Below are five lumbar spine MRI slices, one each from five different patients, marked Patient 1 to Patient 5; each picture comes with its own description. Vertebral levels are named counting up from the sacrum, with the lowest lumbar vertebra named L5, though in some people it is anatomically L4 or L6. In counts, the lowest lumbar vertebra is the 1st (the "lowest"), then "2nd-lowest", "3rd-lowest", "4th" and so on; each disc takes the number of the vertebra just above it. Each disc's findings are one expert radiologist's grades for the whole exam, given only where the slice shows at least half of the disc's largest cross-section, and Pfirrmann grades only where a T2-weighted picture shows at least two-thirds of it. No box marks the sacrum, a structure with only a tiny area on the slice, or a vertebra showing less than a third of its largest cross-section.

Patient 1 of 5:
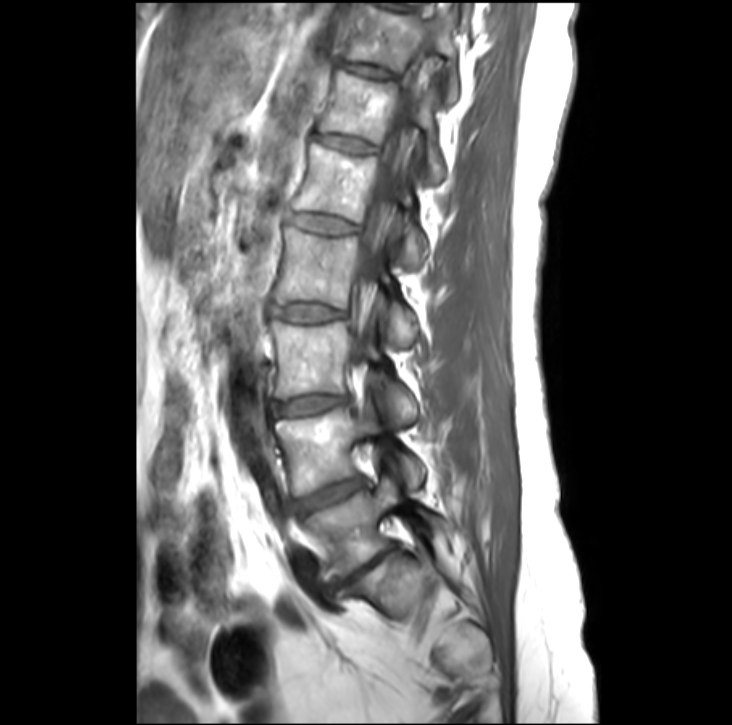

Patient sex: F, Sagittal slice index 19, MRI lumbar spine (T1-weighted), sagittal plane
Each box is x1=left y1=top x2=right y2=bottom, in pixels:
intervertebral disc T11/T12 — x1=343 y1=61 x2=394 y2=78 | L1/L2 — x1=290 y1=213 x2=354 y2=234 | T12/L1 — x1=313 y1=134 x2=373 y2=153 | T11 vertebra — x1=344 y1=3 x2=458 y2=103 | L5/S1 — x1=333 y1=545 x2=399 y2=591 | L2/L3 — x1=272 y1=304 x2=342 y2=322 | L1 — x1=293 y1=145 x2=427 y2=267 | L2 — x1=274 y1=228 x2=418 y2=345 | L4 vertebra — x1=276 y1=403 x2=425 y2=496 | L3/L4 — x1=274 y1=396 x2=347 y2=416 | L5 vertebra — x1=307 y1=478 x2=452 y2=579 | intervertebral disc L4/L5 — x1=295 y1=480 x2=363 y2=515 | L3 — x1=272 y1=322 x2=418 y2=423 | spinal canal — x1=354 y1=110 x2=411 y2=359 | T12 — x1=317 y1=72 x2=442 y2=182

Degenerative findings by level:
  L4/L5: disc bulging
  L5/S1: Modic type II, disc bulging, disc narrowing, lower-endplate change, upper-endplate change
  L3/L4: disc bulging
  L2/L3, T12/L1, L1/L2, T11/T12: no spondylolisthesis, narrowing, bulging, herniation, Modic or endplate change recorded

Patient 2 of 5:
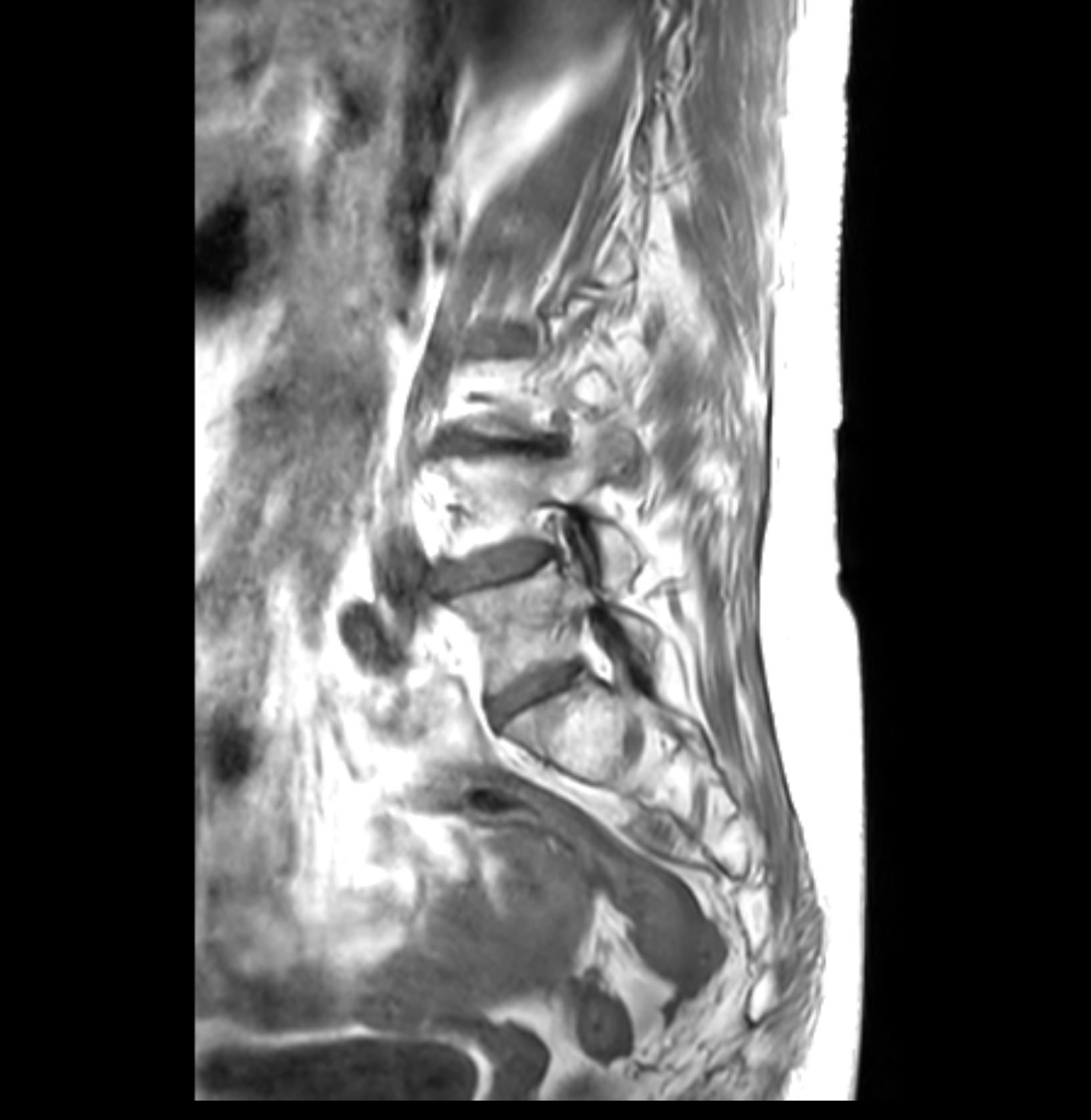
Sex F; Field of view 280x287 mm, slice spacing 3.4 mm; 1091x1120 px; Sagittal T1-weighted lumbar spine MRI
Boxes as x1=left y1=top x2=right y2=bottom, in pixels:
L4 vertebra: x1=443 y1=434 x2=640 y2=586
L4/L5: x1=443 y1=545 x2=560 y2=586
L5: x1=453 y1=561 x2=660 y2=692
L5/S1: x1=489 y1=665 x2=577 y2=720
disc L3/L4: x1=436 y1=431 x2=560 y2=453

Per-level radiological findings:
• L5/S1: disc bulging
• L4/L5: disc narrowing, Modic type II, disc bulging

Patient 3 of 5:
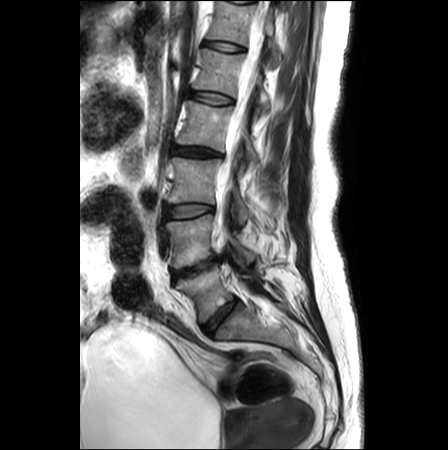 Lumbar spine MR, T2-weighted, sagittal. Sex F. Slice 11 of 26. Image 448x450.
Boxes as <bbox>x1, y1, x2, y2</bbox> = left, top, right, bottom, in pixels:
{"L1/L2": "<bbox>189, 92, 232, 104</bbox>", "L5": "<bbox>176, 265, 260, 322</bbox>", "intervertebral disc L5/S1": "<bbox>202, 300, 238, 334</bbox>", "intervertebral disc T12/L1": "<bbox>206, 41, 243, 51</bbox>", "L3": "<bbox>168, 157, 249, 227</bbox>", "intervertebral disc L3/L4": "<bbox>166, 205, 212, 218</bbox>", "L4 vertebra": "<bbox>163, 215, 255, 269</bbox>", "T12 vertebra": "<bbox>208, 1, 281, 64</bbox>", "L1 vertebra": "<bbox>195, 49, 270, 112</bbox>", "intervertebral disc L2/L3": "<bbox>173, 146, 220, 156</bbox>", "L4/L5": "<bbox>173, 258, 218, 279</bbox>", "thecal sac / spinal canal": "<bbox>216, 1, 268, 238</bbox>", "L2": "<bbox>177, 100, 258, 164</bbox>"}

Degenerative findings by level:
- T12/L1: Pfirrmann grade 1
- L4/L5: upper-endplate change, disc narrowing, lower-endplate change, Modic type II, disc herniation
- L2/L3: Pfirrmann grade 3, disc bulging
- L5/S1: Pfirrmann grade 2
- L1/L2: Pfirrmann grade 1
- L3/L4: Pfirrmann grade 1, disc bulging

Patient 4 of 5:
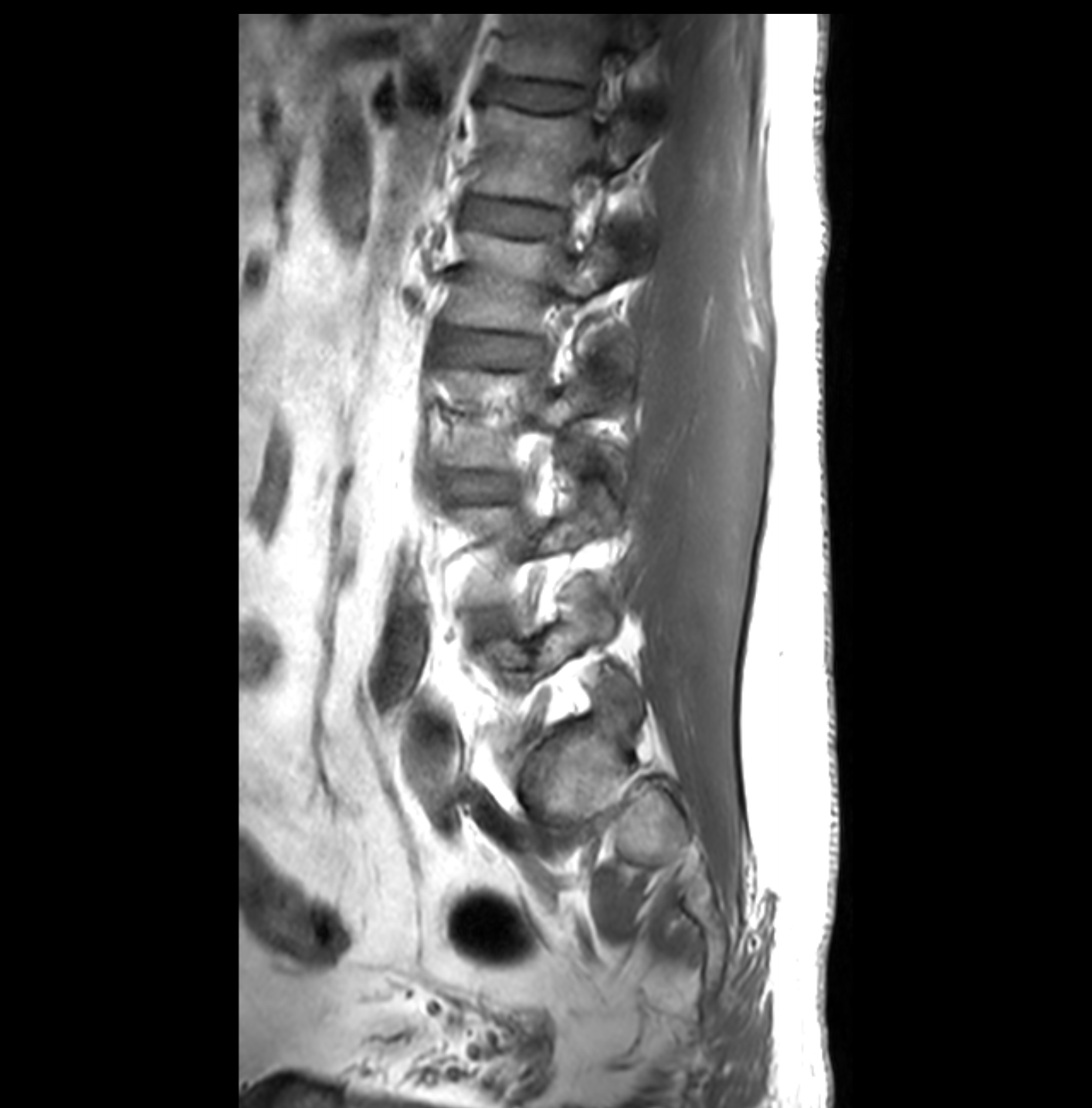 Slice 24 of 32; Image 1092x1108; T1-weighted sagittal MRI of the lumbar spine
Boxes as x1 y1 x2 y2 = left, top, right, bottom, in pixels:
5th vertebra: 471 104 640 205 | 6th vertebra: 498 15 649 83 | 2nd-lowest vertebra: 452 490 612 605 | 6th disc: 486 78 591 111 | 3rd-lowest vertebra: 443 369 598 469 | 4th vertebra: 447 229 630 376 | 5th disc: 466 198 562 235 | 4th disc: 443 332 544 366 | lowest vertebra: 483 593 613 692 | 2nd-lowest disc: 473 611 504 632 | 3rd-lowest disc: 447 475 514 500

Expert MSK radiologist gradings (per disc):
• 6th disc, 5th disc, 4th disc: no herniation, bulging, narrowing, spondylolisthesis, endplate or Modic change recorded

Patient 5 of 5:
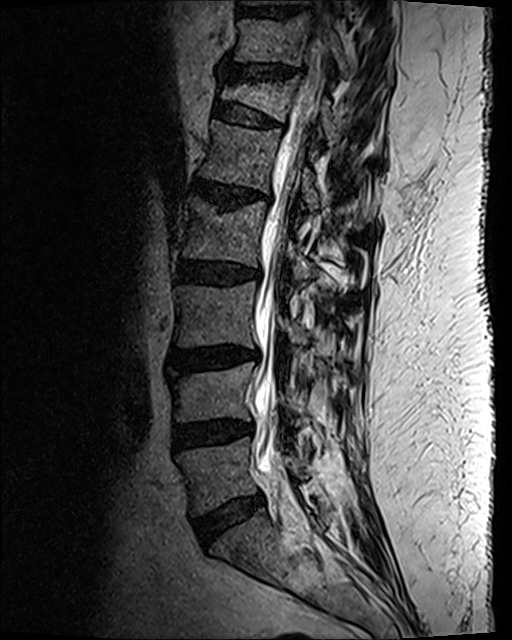 Lumbar spine MR, T2 SPACE (3D), sagittal. Image 512x640.
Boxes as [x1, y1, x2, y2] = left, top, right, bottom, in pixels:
Annotations:
* L2 vertebra: [183, 198, 316, 284]
* spinal canal: [254, 30, 328, 482]
* L3 vertebra: [175, 282, 309, 350]
* T10/T11: [240, 9, 299, 19]
* intervertebral disc L1/L2: [191, 180, 255, 209]
* intervertebral disc T11/T12: [227, 66, 298, 81]
* T11: [232, 14, 350, 78]
* L1 vertebra: [200, 120, 373, 230]
* L5: [177, 437, 310, 515]
* intervertebral disc L5/S1: [194, 493, 264, 546]
* T12/L1: [212, 102, 280, 128]
* L3/L4: [175, 349, 258, 373]
* L4: [168, 363, 304, 424]
* intervertebral disc L4/L5: [173, 422, 251, 450]
* T12: [220, 76, 342, 146]
* L2/L3: [178, 261, 259, 286]

Expert MSK radiologist gradings (per disc):
- L4/L5: Pfirrmann grade 3, disc bulging, disc narrowing
- L3/L4: Pfirrmann grade 3, upper-endplate change, Modic type II, lower-endplate change, disc bulging
- T11/T12: Pfirrmann grade 2, lower-endplate change, disc narrowing, disc bulging, upper-endplate change
- T12/L1: Pfirrmann grade 2, upper-endplate change, disc bulging, spondylolisthesis, lower-endplate change
- L5/S1: Pfirrmann grade 2, disc bulging
- L2/L3: Pfirrmann grade 3, lower-endplate change, disc bulging
- L1/L2: Pfirrmann grade 3, disc narrowing, Modic type II, lower-endplate change, upper-endplate change, disc bulging